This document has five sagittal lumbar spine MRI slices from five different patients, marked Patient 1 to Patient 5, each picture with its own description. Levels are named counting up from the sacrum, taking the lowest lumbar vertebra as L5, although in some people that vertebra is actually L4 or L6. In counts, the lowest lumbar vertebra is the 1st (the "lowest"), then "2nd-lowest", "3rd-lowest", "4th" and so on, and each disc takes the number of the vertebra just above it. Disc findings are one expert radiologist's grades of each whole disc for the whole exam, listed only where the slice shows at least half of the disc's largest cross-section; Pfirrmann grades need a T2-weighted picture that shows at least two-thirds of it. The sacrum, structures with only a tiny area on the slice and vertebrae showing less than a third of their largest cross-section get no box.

Patient 1 of 5:
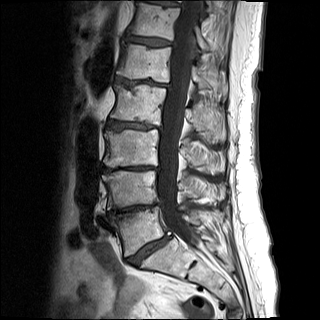

MRI lumbar spine (T1-weighted), sagittal plane
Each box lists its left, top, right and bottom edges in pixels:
5th disc at left=115, top=77, right=168, bottom=87; 6th vertebra at left=127, top=1, right=209, bottom=52; 4th disc at left=107, top=120, right=159, bottom=130; 7th disc at left=151, top=2, right=179, bottom=6; 2nd-lowest disc at left=117, top=204, right=156, bottom=212; 2nd-lowest vertebra at left=102, top=170, right=224, bottom=209; 3rd-lowest vertebra at left=103, top=129, right=220, bottom=173; lowest disc at left=126, top=236, right=170, bottom=265; 3rd-lowest disc at left=102, top=166, right=156, bottom=172; lowest vertebra at left=117, top=206, right=203, bottom=256; 4th vertebra at left=110, top=84, right=225, bottom=140; 6th disc at left=125, top=35, right=170, bottom=46; 5th vertebra at left=116, top=42, right=227, bottom=95; spinal canal at left=157, top=0, right=199, bottom=245.

Per-level radiological findings:
- 5th disc: lower-endplate change, disc narrowing, Modic type II, disc bulging, upper-endplate change
- 2nd-lowest disc: upper-endplate change, Modic type II, disc bulging, lower-endplate change, disc narrowing
- 6th disc: upper-endplate change, Modic type II, lower-endplate change, disc bulging
- 3rd-lowest disc: disc bulging, lower-endplate change, disc narrowing, Modic type II, upper-endplate change
- 4th disc: upper-endplate change, Modic type II, disc bulging, lower-endplate change, disc narrowing
- lowest disc: disc bulging, lower-endplate change, upper-endplate change, spondylolisthesis, Modic type II, disc narrowing
- 7th disc: lower-endplate change, disc bulging, upper-endplate change, Modic type II

Patient 2 of 5:
Sex M. Sagittal T2 SPACE (3D) lumbar spine MRI.

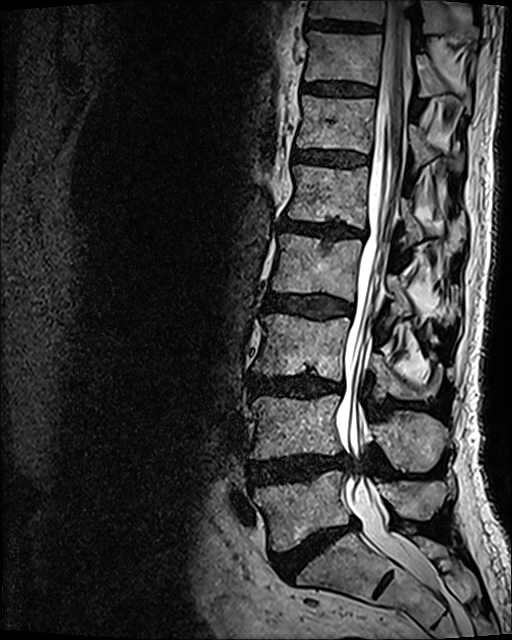

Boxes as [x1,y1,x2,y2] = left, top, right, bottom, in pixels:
Annotations:
• lowest vertebra at [254,470,441,551]
• 6th vertebra at [296,95,463,171]
• 8th vertebra at [309,0,478,47]
• 3rd-lowest vertebra at [253,313,441,399]
• 7th vertebra at [304,32,470,108]
• 5th disc at [278,218,364,238]
• lowest disc at [271,521,359,581]
• thecal sac / spinal canal at [336,1,435,586]
• 4th disc at [262,292,352,319]
• 2nd-lowest vertebra at [250,395,448,471]
• 8th disc at [304,19,378,33]
• 5th vertebra at [288,164,465,253]
• 2nd-lowest disc at [247,454,347,486]
• 7th disc at [303,84,374,96]
• 6th disc at [293,149,367,166]
• 4th vertebra at [272,233,455,326]
• 3rd-lowest disc at [248,374,344,398]

Per-level radiological findings:
  3rd-lowest disc: Pfirrmann grade 4, lower-endplate change, Modic type II, disc bulging, disc narrowing
  5th disc: Pfirrmann grade 4, lower-endplate change, Modic type II, upper-endplate change, disc narrowing, disc bulging
  2nd-lowest disc: Pfirrmann grade 4, disc herniation, disc bulging
  4th disc: Pfirrmann grade 3, disc bulging
  lowest disc: Pfirrmann grade 5, disc bulging, Modic type II, lower-endplate change, disc narrowing
  7th disc: Pfirrmann grade 3
  6th disc: Pfirrmann grade 3

Patient 3 of 5:
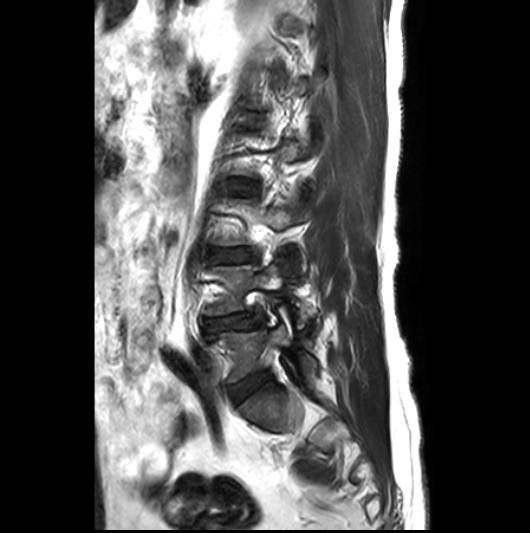
Slice spacing 3.3 mm, T2-weighted sagittal MRI of the lumbar spine, Slice 7 of 26
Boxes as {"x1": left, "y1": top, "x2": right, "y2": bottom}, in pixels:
- L4/L5 (2nd-lowest disc) = {"x1": 206, "y1": 311, "x2": 265, "y2": 330}
- L5 (lowest vertebra) = {"x1": 209, "y1": 322, "x2": 317, "y2": 381}
- intervertebral disc L3/L4 (3rd-lowest disc) = {"x1": 209, "y1": 248, "x2": 251, "y2": 262}
- intervertebral disc L5/S1 (lowest disc) = {"x1": 229, "y1": 371, "x2": 272, "y2": 404}
- L4 (2nd-lowest vertebra) = {"x1": 207, "y1": 265, "x2": 306, "y2": 325}
- intervertebral disc L2/L3 (4th disc) = {"x1": 234, "y1": 180, "x2": 257, "y2": 196}

Per-level radiological findings:
  L4/L5 (2nd-lowest disc): Modic type II, disc herniation, disc narrowing, disc bulging

Patient 4 of 5:
T2-weighted sagittal MRI of the lumbar spine.

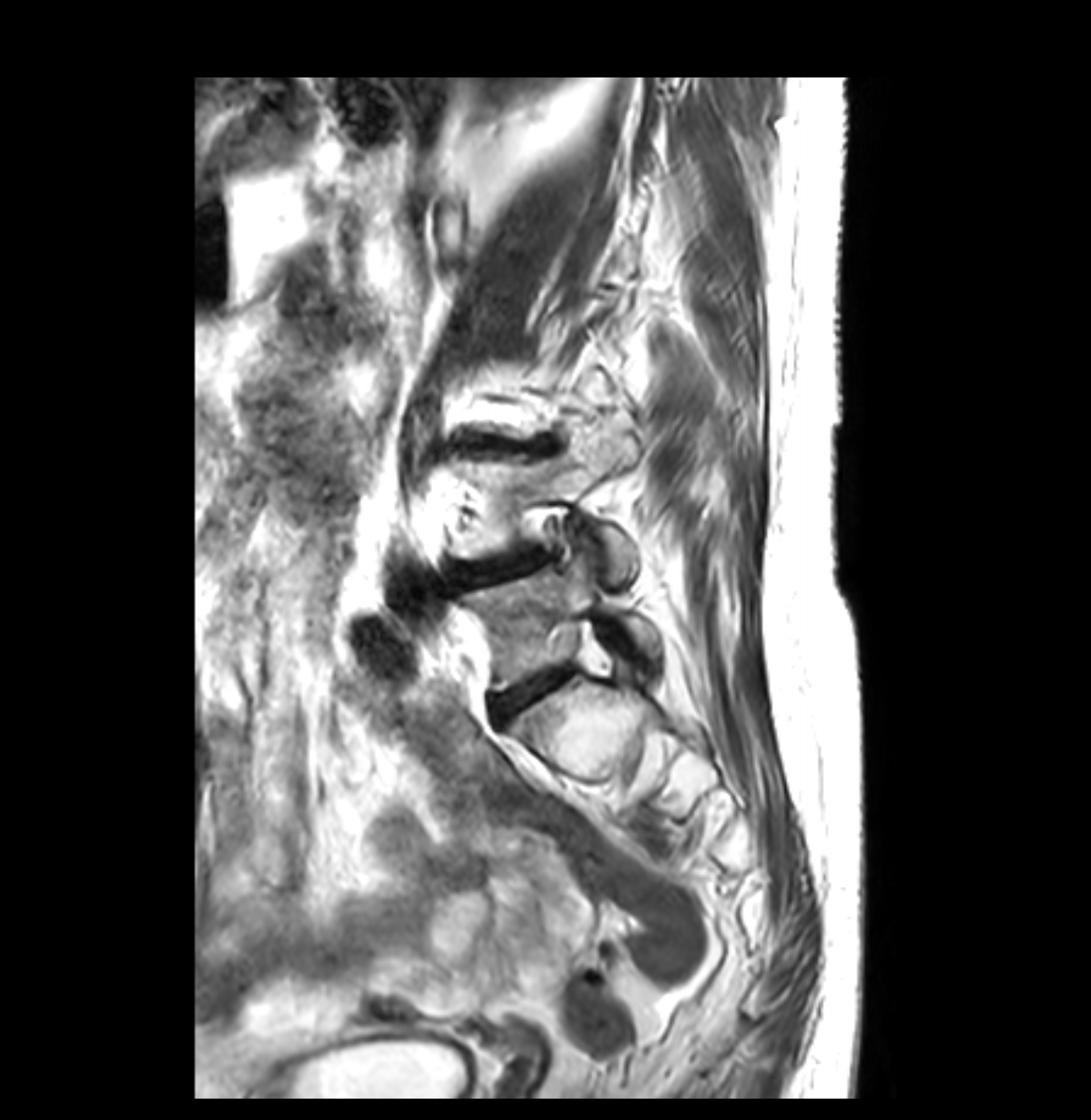
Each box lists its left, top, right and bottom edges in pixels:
lowest vertebra: left=463, top=554, right=657, bottom=689
lowest disc: left=492, top=667, right=570, bottom=717
2nd-lowest vertebra: left=451, top=439, right=638, bottom=586
3rd-lowest disc: left=485, top=439, right=550, bottom=451
2nd-lowest disc: left=451, top=552, right=545, bottom=582

Patient 5 of 5:
Sagittal T1-weighted lumbar spine MRI. Image 459x464. 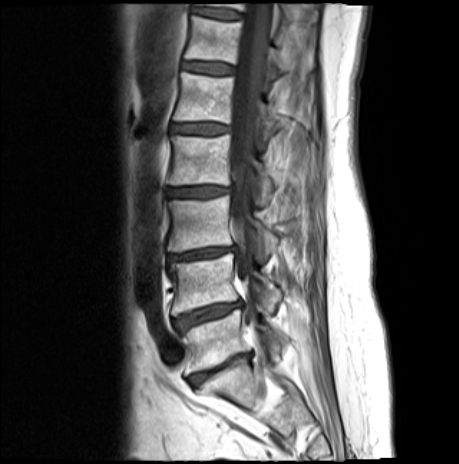

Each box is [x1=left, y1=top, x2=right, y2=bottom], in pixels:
thecal sac / spinal canal: [x1=229, y1=3, x2=271, y2=323]
3rd-lowest disc: [x1=168, y1=247, x2=236, y2=261]
4th disc: [x1=166, y1=186, x2=228, y2=197]
3rd-lowest vertebra: [x1=168, y1=196, x2=277, y2=253]
6th disc: [x1=182, y1=62, x2=233, y2=74]
5th disc: [x1=172, y1=123, x2=228, y2=134]
2nd-lowest vertebra: [x1=169, y1=253, x2=280, y2=315]
6th vertebra: [x1=185, y1=15, x2=289, y2=77]
7th disc: [x1=194, y1=8, x2=241, y2=19]
2nd-lowest disc: [x1=173, y1=301, x2=241, y2=331]
5th vertebra: [x1=173, y1=72, x2=281, y2=138]
lowest vertebra: [x1=182, y1=310, x2=286, y2=373]
lowest disc: [x1=189, y1=354, x2=251, y2=385]
4th vertebra: [x1=166, y1=134, x2=277, y2=202]
7th vertebra: [x1=198, y1=3, x2=300, y2=21]

Degenerative findings by level:
• 5th disc: lower-endplate change, Modic type II, disc bulging, upper-endplate change
• 3rd-lowest disc: lower-endplate change, disc bulging, Modic type II, upper-endplate change, disc narrowing
• lowest disc: lower-endplate change, Modic type II, upper-endplate change, disc narrowing, disc bulging
• 7th disc: Modic type II
• 4th disc: disc bulging, Modic type II, lower-endplate change, upper-endplate change
• 2nd-lowest disc: upper-endplate change, lower-endplate change, Modic type II, disc narrowing, disc bulging
• 6th disc: Modic type II, lower-endplate change, upper-endplate change